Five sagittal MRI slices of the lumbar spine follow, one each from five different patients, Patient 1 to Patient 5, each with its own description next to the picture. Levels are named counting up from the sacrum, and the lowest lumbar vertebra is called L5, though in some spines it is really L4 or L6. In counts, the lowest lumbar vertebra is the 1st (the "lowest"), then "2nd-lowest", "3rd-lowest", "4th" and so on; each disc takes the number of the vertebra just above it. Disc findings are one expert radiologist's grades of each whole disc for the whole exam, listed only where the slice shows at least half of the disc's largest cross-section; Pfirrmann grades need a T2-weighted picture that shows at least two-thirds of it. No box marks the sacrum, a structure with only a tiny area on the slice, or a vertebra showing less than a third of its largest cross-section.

Patient 1 of 5:
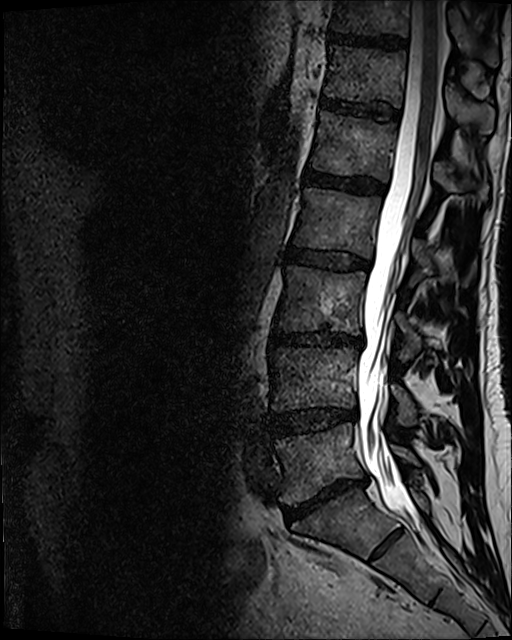
Lumbar spine MR, T2 SPACE (3D), sagittal. Slice 60/120.
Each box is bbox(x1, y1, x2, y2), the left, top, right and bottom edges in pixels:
4th vertebra: bbox(293, 187, 474, 285).
7th disc: bbox(328, 33, 405, 50).
Lowest disc: bbox(284, 476, 366, 520).
Lowest vertebra: bbox(275, 424, 419, 504).
2nd-lowest disc: bbox(272, 408, 357, 436).
Thecal sac / spinal canal: bbox(359, 1, 442, 524).
3rd-lowest disc: bbox(274, 330, 362, 346).
4th disc: bbox(289, 249, 369, 269).
5th disc: bbox(304, 170, 385, 194).
7th vertebra: bbox(331, 0, 498, 66).
5th vertebra: bbox(311, 111, 488, 201).
6th vertebra: bbox(324, 45, 494, 135).
6th disc: bbox(322, 98, 399, 119).
2nd-lowest vertebra: bbox(271, 347, 415, 425).
3rd-lowest vertebra: bbox(278, 266, 421, 362).

Per-level radiological findings:
  7th disc: Pfirrmann grade 4
  4th disc: Pfirrmann grade 3, disc bulging
  6th disc: Pfirrmann grade 3
  3rd-lowest disc: Pfirrmann grade 4, lower-endplate change, disc narrowing, disc bulging
  5th disc: Pfirrmann grade 4
  2nd-lowest disc: Pfirrmann grade 3, disc bulging, disc narrowing
  lowest disc: Pfirrmann grade 5, disc bulging, disc narrowing, Modic type II

Patient 2 of 5:
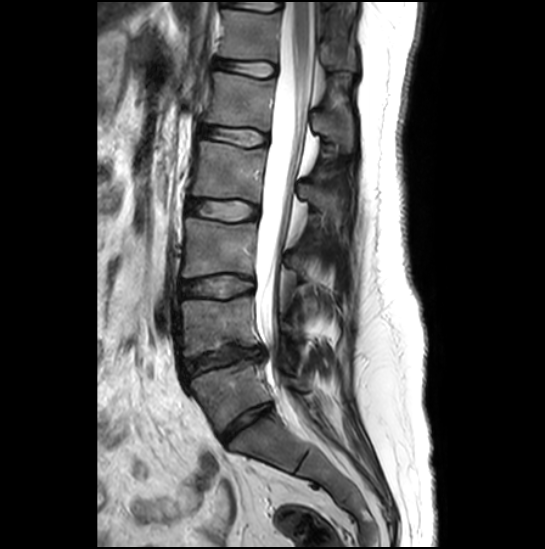

Patient sex: F | Field of view 280x282 mm | Sagittal T2-weighted lumbar spine MRI

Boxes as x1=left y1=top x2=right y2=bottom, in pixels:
3rd-lowest disc: x1=181 y1=276 x2=252 y2=297
5th vertebra: x1=206 y1=72 x2=353 y2=150
3rd-lowest vertebra: x1=182 y1=218 x2=307 y2=278
lowest vertebra: x1=191 y1=360 x2=309 y2=432
thecal sac / spinal canal: x1=255 y1=0 x2=314 y2=388
5th disc: x1=202 y1=126 x2=267 y2=145
lowest disc: x1=220 y1=403 x2=271 y2=442
2nd-lowest vertebra: x1=181 y1=295 x2=302 y2=356
6th disc: x1=214 y1=59 x2=275 y2=76
4th vertebra: x1=191 y1=141 x2=342 y2=222
2nd-lowest disc: x1=185 y1=345 x2=262 y2=374
6th vertebra: x1=220 y1=10 x2=355 y2=70
4th disc: x1=186 y1=200 x2=257 y2=220

Expert MSK radiologist gradings (per disc):
  2nd-lowest disc: Pfirrmann grade 1, disc narrowing, disc herniation, upper-endplate change, lower-endplate change, Modic type II
  4th disc: Pfirrmann grade 4
  5th disc: Pfirrmann grade 1
  lowest disc: Pfirrmann grade 3, disc narrowing
  6th disc: Pfirrmann grade 1
  3rd-lowest disc: Pfirrmann grade 2

Patient 3 of 5:
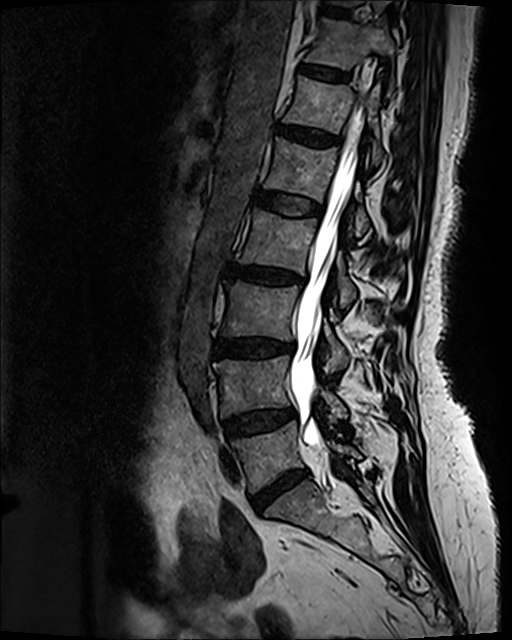 Sagittal slice index 49, Lumbar spine MR, T2 SPACE (3D), sagittal
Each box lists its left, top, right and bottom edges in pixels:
6th disc: left=277, top=125, right=338, bottom=146.
Lowest disc: left=254, top=472, right=304, bottom=511.
7th disc: left=302, top=64, right=348, bottom=81.
3rd-lowest disc: left=214, top=339, right=294, bottom=355.
5th disc: left=253, top=191, right=321, bottom=215.
8th disc: left=323, top=6, right=348, bottom=18.
Lowest vertebra: left=232, top=422, right=361, bottom=492.
7th vertebra: left=306, top=19, right=394, bottom=90.
4th vertebra: left=236, top=208, right=356, bottom=307.
2nd-lowest disc: left=224, top=408, right=295, bottom=438.
5th vertebra: left=264, top=138, right=369, bottom=237.
3rd-lowest vertebra: left=221, top=281, right=348, bottom=373.
6th vertebra: left=284, top=77, right=384, bottom=164.
2nd-lowest vertebra: left=213, top=355, right=346, bottom=421.
Spinal canal: left=289, top=103, right=363, bottom=471.
4th disc: left=228, top=266, right=302, bottom=284.

Per-level radiological findings:
• 4th disc: Pfirrmann grade 4, lower-endplate change, disc narrowing, disc bulging, Modic type II, upper-endplate change
• 2nd-lowest disc: Pfirrmann grade 3, disc bulging
• 6th disc: Pfirrmann grade 3, disc bulging
• 5th disc: Pfirrmann grade 2
• 3rd-lowest disc: Pfirrmann grade 4, Modic type II, lower-endplate change, disc narrowing, disc bulging, upper-endplate change
• lowest disc: Pfirrmann grade 4, disc narrowing, disc bulging
• 7th disc: no herniation, bulging, narrowing, spondylolisthesis, endplate or Modic change recorded

Patient 4 of 5:
Sagittal slice index 54; Patient sex: F; Scanner: SIEMENS Avanto_fit (1.5T); T2 SPACE (3D) sagittal MRI of the lumbar spine

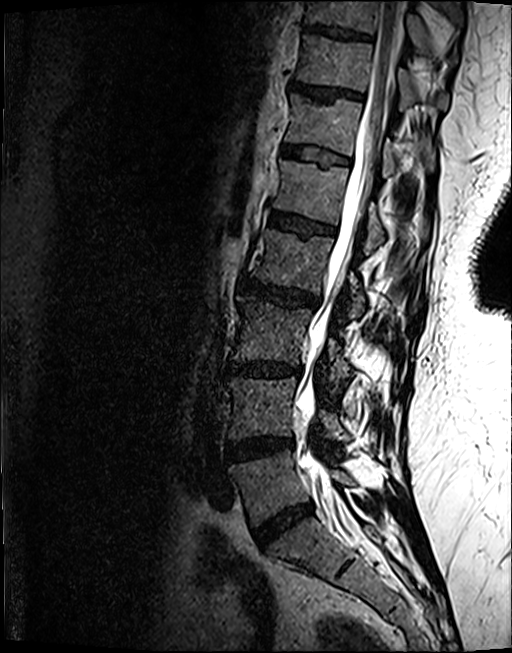
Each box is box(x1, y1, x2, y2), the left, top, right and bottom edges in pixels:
Annotations:
• IVD T10/T11 = box(305, 24, 369, 38)
• spinal canal = box(294, 0, 405, 531)
• T11/T12 = box(291, 81, 361, 98)
• L4 vertebra = box(227, 375, 349, 441)
• T11 = box(296, 34, 448, 109)
• L2 = box(250, 228, 415, 316)
• IVD L4/L5 = box(226, 437, 292, 461)
• IVD T12/L1 = box(282, 145, 348, 163)
• T10 vertebra = box(305, 0, 457, 63)
• IVD L2/L3 = box(241, 279, 318, 307)
• L1/L2 = box(269, 211, 334, 233)
• IVD L5/S1 = box(254, 503, 313, 547)
• L1 vertebra = box(273, 159, 427, 253)
• L3 vertebra = box(232, 296, 351, 390)
• T12 = box(285, 93, 433, 175)
• L5 = box(229, 450, 354, 526)
• L3/L4 = box(227, 361, 300, 376)

Per-level radiological findings:
  L2/L3: Pfirrmann grade 4, upper-endplate change, lower-endplate change, disc bulging
  L5/S1: Pfirrmann grade 4, disc narrowing, disc bulging
  L3/L4: Pfirrmann grade 4, upper-endplate change, disc narrowing, disc bulging, Modic type II, lower-endplate change
  L1/L2: Pfirrmann grade 4, lower-endplate change, upper-endplate change, Modic type II
  T10/T11: Pfirrmann grade 4, lower-endplate change, upper-endplate change
  T12/L1: Pfirrmann grade 3, upper-endplate change, lower-endplate change
  T11/T12: Pfirrmann grade 4, upper-endplate change
  L4/L5: Pfirrmann grade 4, Modic type II, lower-endplate change, disc bulging

Patient 5 of 5:
614x611 px; Lumbar spine MR, T1-weighted, sagittal

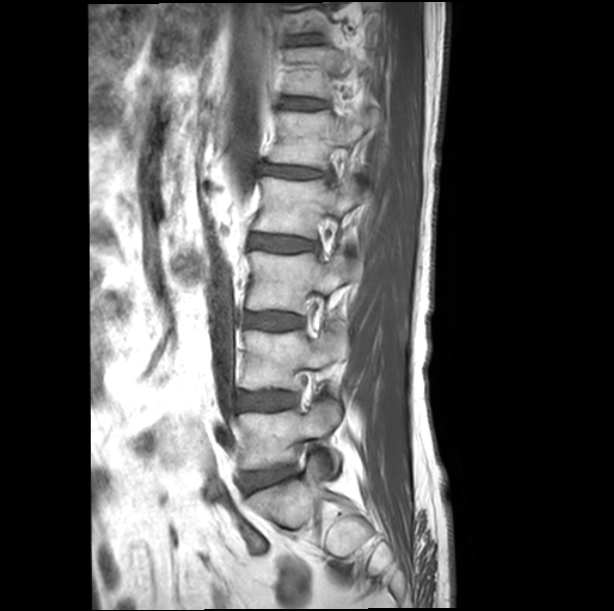 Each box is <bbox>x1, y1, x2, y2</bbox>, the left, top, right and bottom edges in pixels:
2nd-lowest disc at <bbox>238, 392, 294, 409</bbox>.
7th disc at <bbox>295, 36, 321, 43</bbox>.
5th disc at <bbox>261, 164, 326, 177</bbox>.
3rd-lowest vertebra at <bbox>247, 251, 362, 314</bbox>.
6th vertebra at <bbox>287, 47, 373, 97</bbox>.
Lowest vertebra at <bbox>239, 402, 340, 469</bbox>.
6th disc at <bbox>282, 99, 321, 108</bbox>.
2nd-lowest vertebra at <bbox>240, 330, 348, 390</bbox>.
Lowest disc at <bbox>240, 467, 293, 491</bbox>.
4th disc at <bbox>250, 234, 317, 251</bbox>.
4th vertebra at <bbox>253, 177, 367, 238</bbox>.
3rd-lowest disc at <bbox>245, 312, 301, 329</bbox>.
5th vertebra at <bbox>269, 110, 375, 169</bbox>.

Degenerative findings by level:
• 5th disc: disc bulging, disc narrowing
• 6th disc, 3rd-lowest disc, 4th disc, 2nd-lowest disc: no spondylolisthesis, narrowing, bulging, herniation, Modic or endplate change recorded